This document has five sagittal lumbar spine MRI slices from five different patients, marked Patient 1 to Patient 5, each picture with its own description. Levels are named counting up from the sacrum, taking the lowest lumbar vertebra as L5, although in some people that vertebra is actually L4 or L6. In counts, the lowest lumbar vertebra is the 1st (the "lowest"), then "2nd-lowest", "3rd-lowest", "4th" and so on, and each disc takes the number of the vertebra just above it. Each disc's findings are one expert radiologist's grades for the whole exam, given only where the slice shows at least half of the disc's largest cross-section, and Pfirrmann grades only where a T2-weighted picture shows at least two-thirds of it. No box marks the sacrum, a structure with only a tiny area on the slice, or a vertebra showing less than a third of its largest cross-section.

Patient 1 of 5:
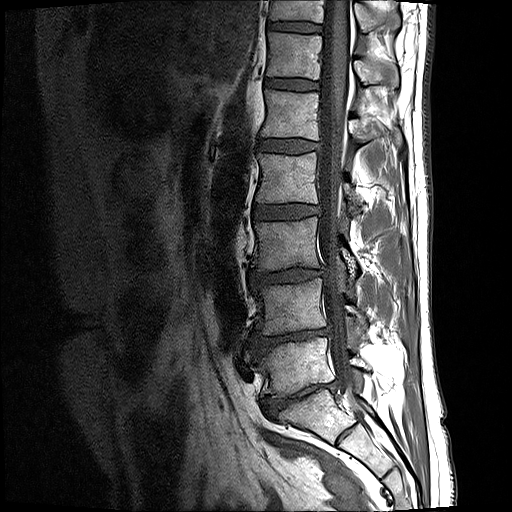

Slice 11/17, T1-weighted sagittal MRI of the lumbar spine
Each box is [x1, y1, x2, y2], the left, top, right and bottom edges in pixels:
6th disc at [265, 79, 318, 90], 5th disc at [259, 139, 316, 153], 7th disc at [269, 21, 322, 32], lowest disc at [261, 382, 337, 418], lowest vertebra at [258, 337, 367, 397], 7th vertebra at [270, 0, 399, 32], 6th vertebra at [267, 32, 398, 93], 2nd-lowest disc at [252, 328, 330, 357], 3rd-lowest disc at [249, 268, 324, 286], 3rd-lowest vertebra at [252, 217, 356, 276], 2nd-lowest vertebra at [252, 279, 366, 335], 4th disc at [254, 204, 317, 219], spinal canal at [317, 0, 365, 420], 5th vertebra at [261, 89, 402, 149], 4th vertebra at [256, 153, 381, 213].

Per-level radiological findings:
• 2nd-lowest disc: lower-endplate change, disc bulging, disc narrowing, Modic type II
• lowest disc: disc narrowing, spondylolisthesis, disc bulging, lower-endplate change
• 3rd-lowest disc: disc narrowing, disc bulging
• 5th disc, 6th disc, 7th disc, 4th disc: no herniation, bulging, narrowing, spondylolisthesis, endplate or Modic change recorded

Patient 2 of 5:
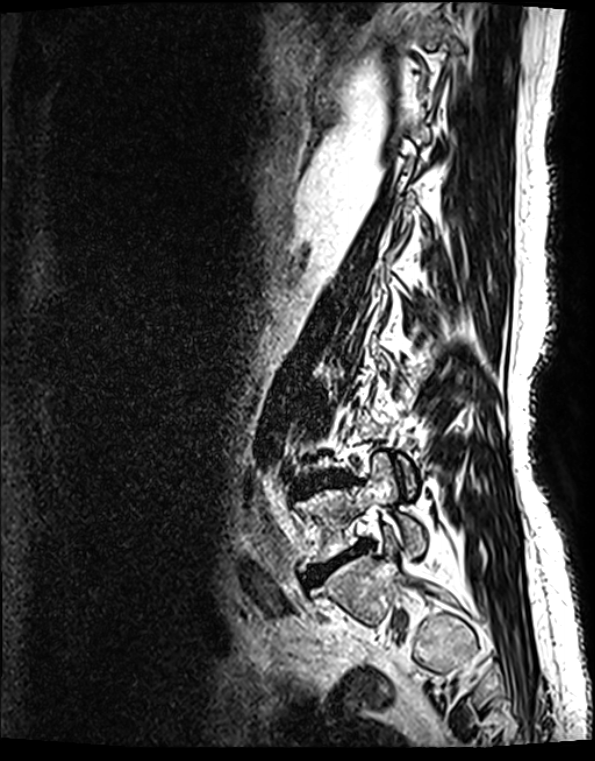
Patient sex: F. Sagittal T2 SPACE (3D) lumbar spine MRI.

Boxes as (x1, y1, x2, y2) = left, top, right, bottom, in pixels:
Annotations:
• lowest disc: (305, 542, 369, 586)
• 2nd-lowest disc: (303, 474, 345, 490)
• lowest vertebra: (295, 453, 426, 563)

Radiological gradings:
- lowest disc: Modic type II, lower-endplate change, upper-endplate change, disc narrowing, disc bulging

Patient 3 of 5:
Lumbar spine MR, T2-weighted, sagittal. Philips Healthcare Ingenia (3T). Sex M. Sagittal slice index 19.
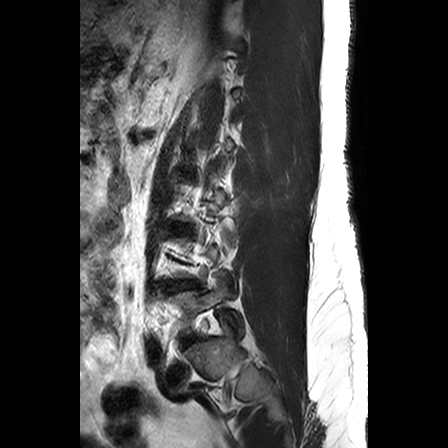 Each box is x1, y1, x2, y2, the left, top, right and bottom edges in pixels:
Segmented structures:
- L5 (lowest vertebra) — 171, 279, 243, 335
- L4/L5 (2nd-lowest disc) — 170, 281, 196, 290

Patient 4 of 5:
Slice 11/18; MRI lumbar spine (T2-weighted), sagittal plane

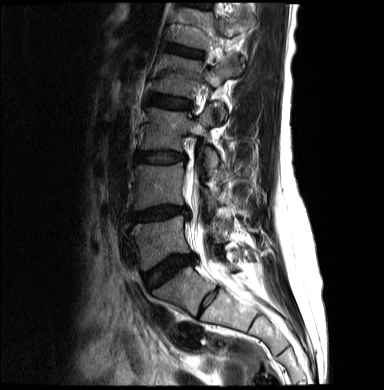 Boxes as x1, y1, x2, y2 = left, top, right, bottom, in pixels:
Intervertebral disc L3/L4 at 136, 152, 185, 162; intervertebral disc L2/L3 at 149, 94, 190, 109; L4 vertebra at 133, 163, 252, 216; L3 vertebra at 140, 107, 218, 176; L2 at 153, 55, 231, 119; intervertebral disc L4/L5 at 130, 205, 187, 221; L5 at 131, 215, 228, 271; intervertebral disc L5/S1 at 144, 255, 194, 289; thecal sac / spinal canal at 186, 170, 240, 290; L1 vertebra at 173, 8, 253, 74; L1/L2 at 169, 45, 202, 57.

Expert MSK radiologist gradings (per disc):
• L3/L4: Pfirrmann grade 2
• L2/L3: Pfirrmann grade 2
• L4/L5: Pfirrmann grade 4, upper-endplate change, disc narrowing, disc bulging, lower-endplate change
• L5/S1: Pfirrmann grade 4, disc bulging, disc narrowing
• L1/L2: no herniation, bulging, narrowing, spondylolisthesis, endplate or Modic change recorded

Patient 5 of 5:
448x451 px, MRI lumbar spine (T2-weighted), sagittal plane 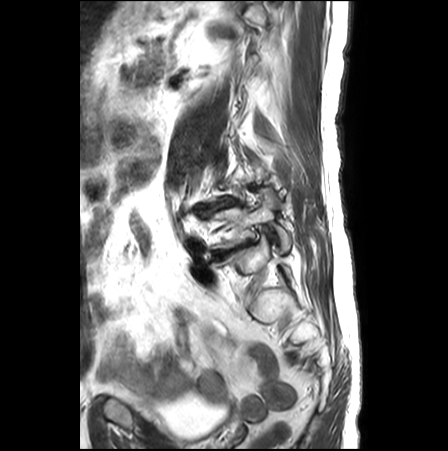
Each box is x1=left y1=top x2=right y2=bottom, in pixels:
Annotations:
• L5 = x1=208 y1=198 x2=290 y2=249
• L5/S1 = x1=211 y1=239 x2=253 y2=261
• disc L4/L5 = x1=197 y1=198 x2=239 y2=216

Radiological gradings:
  L5/S1: lower-endplate change, disc bulging, upper-endplate change, Modic type II, disc narrowing, disc herniation
  L4/L5: disc bulging, disc herniation, lower-endplate change, spondylolisthesis, Modic type II, upper-endplate change, disc narrowing